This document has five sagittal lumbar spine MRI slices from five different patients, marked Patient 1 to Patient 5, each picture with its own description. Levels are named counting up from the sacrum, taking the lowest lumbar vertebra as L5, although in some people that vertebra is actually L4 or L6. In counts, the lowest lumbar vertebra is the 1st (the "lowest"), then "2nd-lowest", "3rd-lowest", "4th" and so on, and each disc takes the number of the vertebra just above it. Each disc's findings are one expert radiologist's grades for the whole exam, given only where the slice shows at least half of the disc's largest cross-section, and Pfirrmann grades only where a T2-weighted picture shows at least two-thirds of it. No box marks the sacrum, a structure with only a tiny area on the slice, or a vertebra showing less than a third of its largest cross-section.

Patient 1 of 5:
Patient sex: F | T1-weighted sagittal MRI of the lumbar spine 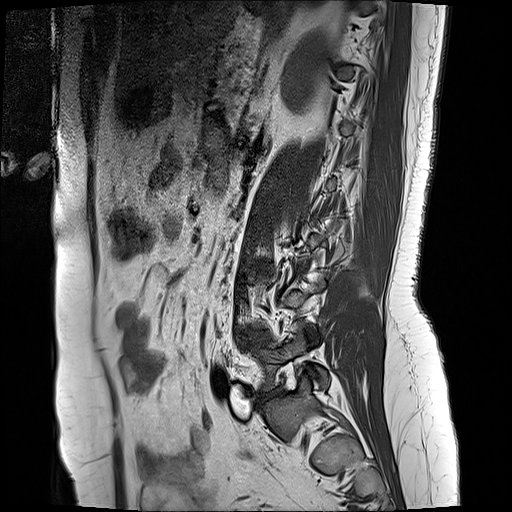
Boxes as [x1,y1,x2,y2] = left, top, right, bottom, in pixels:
Annotations:
* L5 (lowest vertebra) — [256,322,330,390]
* L3/L4 (3rd-lowest disc) — [255,267,268,274]
* L4/L5 (2nd-lowest disc) — [239,332,270,343]
* IVD L5/S1 (lowest disc) — [259,390,281,400]

Patient 2 of 5:
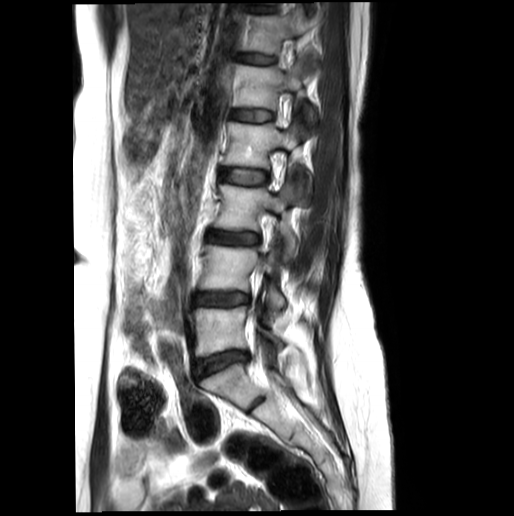 MRI lumbar spine (T2-weighted), sagittal plane | Image 514x516

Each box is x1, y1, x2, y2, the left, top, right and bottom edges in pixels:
Annotations:
* 6th disc at 240, 54, 276, 63
* 4th disc at 220, 168, 268, 184
* 5th disc at 232, 109, 273, 121
* lowest vertebra at 194, 306, 284, 356
* 6th vertebra at 242, 5, 316, 57
* lowest disc at 193, 351, 248, 377
* 2nd-lowest vertebra at 199, 244, 285, 310
* 3rd-lowest vertebra at 214, 178, 297, 257
* spinal canal at 253, 362, 268, 377
* 5th vertebra at 233, 56, 315, 120
* 2nd-lowest disc at 194, 292, 250, 306
* 4th vertebra at 223, 120, 310, 188
* 3rd-lowest disc at 207, 231, 259, 244

Expert MSK radiologist gradings (per disc):
- 2nd-lowest disc: Pfirrmann grade 3, disc narrowing, disc bulging
- lowest disc: Pfirrmann grade 3, disc narrowing, disc bulging
- 3rd-lowest disc: Pfirrmann grade 3
- 4th disc: Pfirrmann grade 2
- 5th disc: Pfirrmann grade 2
- 6th disc: no herniation, bulging, narrowing, spondylolisthesis, endplate or Modic change recorded

Patient 3 of 5:
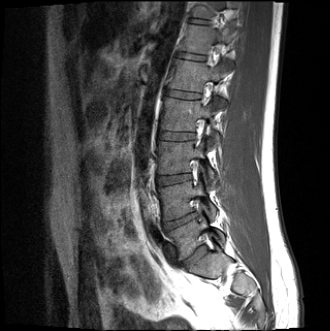

Sagittal slice index 10; Field of view 300x301 mm, slice spacing 4.2 mm; Sagittal T1-weighted lumbar spine MRI

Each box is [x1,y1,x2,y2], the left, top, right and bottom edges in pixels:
Lowest disc — [185,246,205,266].
5th disc — [166,90,200,98].
6th disc — [178,53,205,60].
2nd-lowest vertebra — [158,181,216,220].
Lowest vertebra — [168,217,223,259].
5th vertebra — [169,59,227,105].
7th disc — [192,19,208,23].
4th vertebra — [160,98,220,144].
3rd-lowest vertebra — [158,141,214,181].
6th vertebra — [181,25,232,66].
2nd-lowest disc — [164,213,197,230].
4th disc — [159,132,194,140].
7th vertebra — [193,1,225,18].
3rd-lowest disc — [157,174,191,185].

Expert MSK radiologist gradings (per disc):
  lowest disc: disc bulging
  2nd-lowest disc: disc herniation, disc narrowing, Modic type II, lower-endplate change, upper-endplate change
  3rd-lowest disc, 6th disc, 4th disc, 5th disc: no Modic or endplate change, herniation, narrowing, bulging or spondylolisthesis recorded

Patient 4 of 5:
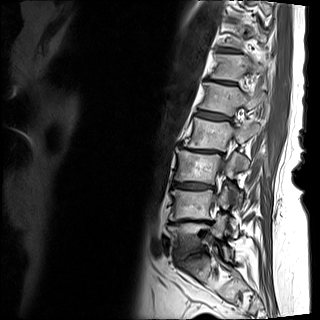 Sagittal slice index 9 | Lumbar spine MR, T1-weighted, sagittal

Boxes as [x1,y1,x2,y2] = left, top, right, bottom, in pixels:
{"T11": "[223,24,266,48]", "L3": "[174,148,242,202]", "L5 vertebra": "[168,215,224,250]", "L4": "[169,186,236,229]", "intervertebral disc L5/S1": "[175,249,205,260]", "T12": "[210,55,265,80]", "L2 vertebra": "[184,117,259,168]", "L2/L3": "[190,149,220,153]", "intervertebral disc T12/L1": "[208,78,235,84]", "intervertebral disc L1/L2": "[197,110,231,120]", "spinal canal": "[219,125,234,179]", "T11/T12": "[219,49,237,52]", "L1": "[199,82,266,116]", "L3/L4": "[173,182,213,189]"}

Radiological gradings:
• L5/S1: disc bulging, upper-endplate change, disc narrowing, lower-endplate change, Modic type II
• L3/L4: upper-endplate change, disc bulging, lower-endplate change
• L1/L2: upper-endplate change, lower-endplate change, disc bulging
• L2/L3: Modic type II, disc narrowing, spondylolisthesis, upper-endplate change, disc bulging, lower-endplate change
• T12/L1: Modic type II, disc narrowing, upper-endplate change, disc bulging, lower-endplate change

Patient 5 of 5:
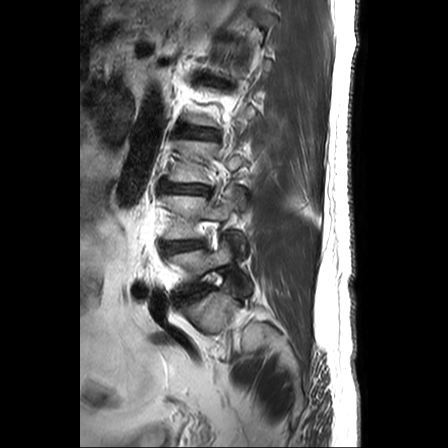 448x448 px. Sagittal T2-weighted lumbar spine MRI. Field of view 280x280 mm. Sagittal slice index 19. Sex M.
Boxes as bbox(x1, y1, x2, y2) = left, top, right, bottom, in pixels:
L3 (3rd-lowest vertebra) — bbox(169, 140, 245, 183).
Intervertebral disc L4/L5 (2nd-lowest disc) — bbox(161, 240, 204, 253).
Intervertebral disc L2/L3 (4th disc) — bbox(179, 127, 216, 138).
L5 (lowest vertebra) — bbox(167, 239, 251, 294).
L4 (2nd-lowest vertebra) — bbox(161, 188, 245, 249).
L5/S1 (lowest disc) — bbox(176, 284, 204, 302).
Intervertebral disc L3/L4 (3rd-lowest disc) — bbox(161, 183, 210, 194).

Radiological gradings:
• L3/L4 (3rd-lowest disc): Pfirrmann grade 5, disc herniation, disc narrowing
• L5/S1 (lowest disc): disc narrowing, disc bulging
• L4/L5 (2nd-lowest disc): disc bulging